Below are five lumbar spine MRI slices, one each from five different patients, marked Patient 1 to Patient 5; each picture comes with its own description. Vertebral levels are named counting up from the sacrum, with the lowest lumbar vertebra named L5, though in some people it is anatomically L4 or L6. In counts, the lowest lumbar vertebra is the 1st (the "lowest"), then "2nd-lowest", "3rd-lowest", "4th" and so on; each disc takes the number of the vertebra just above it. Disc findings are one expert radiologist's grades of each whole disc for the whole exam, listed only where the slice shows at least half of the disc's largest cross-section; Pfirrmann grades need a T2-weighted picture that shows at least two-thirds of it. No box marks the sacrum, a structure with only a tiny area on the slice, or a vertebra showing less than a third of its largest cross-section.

Patient 1 of 5:
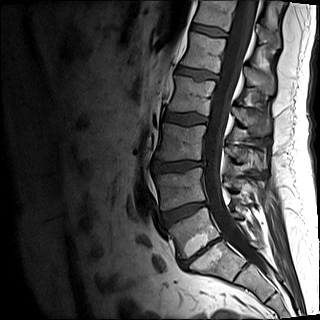
Patient sex: M. Sagittal T1-weighted lumbar spine MRI.

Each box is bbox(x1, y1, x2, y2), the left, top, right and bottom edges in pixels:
* thecal sac / spinal canal — bbox(204, 0, 267, 275)
* L1 — bbox(181, 32, 274, 94)
* disc L2/L3 — bbox(164, 112, 207, 125)
* T12/L1 — bbox(190, 23, 227, 37)
* L4 vertebra — bbox(156, 168, 236, 209)
* L3 vertebra — bbox(155, 123, 261, 169)
* L5/S1 — bbox(182, 238, 220, 265)
* L1/L2 — bbox(176, 66, 217, 80)
* T12 vertebra — bbox(194, 0, 280, 46)
* L5 — bbox(169, 207, 243, 257)
* L4/L5 — bbox(163, 202, 206, 225)
* L2 — bbox(168, 75, 271, 135)
* disc L3/L4 — bbox(155, 161, 204, 172)

Expert MSK radiologist gradings (per disc):
  L4/L5: lower-endplate change, disc narrowing, disc bulging
  L3/L4: disc bulging
  L1/L2: upper-endplate change
  L5/S1: disc narrowing, disc bulging, Modic type II, upper-endplate change, lower-endplate change
  L2/L3, T12/L1: no Modic or endplate change, herniation, narrowing, bulging or spondylolisthesis recorded

Patient 2 of 5:
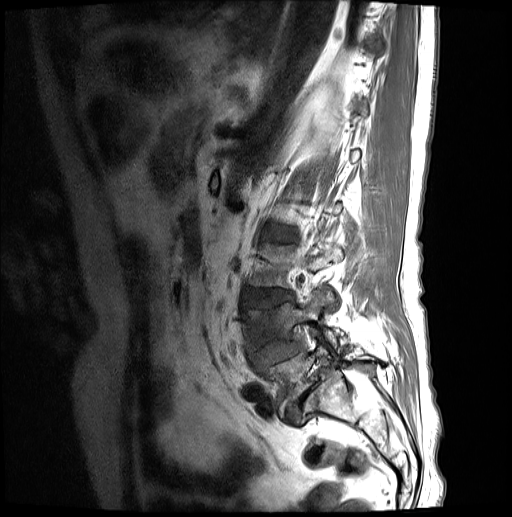 MRI lumbar spine (T1-weighted), sagittal plane
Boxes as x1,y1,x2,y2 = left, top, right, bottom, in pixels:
Intervertebral disc L3/L4 (3rd-lowest disc): 242,288,293,307.
L3 (3rd-lowest vertebra): 248,243,342,310.
Intervertebral disc L2/L3 (4th disc): 266,227,296,241.
L4/L5 (2nd-lowest disc): 249,340,303,369.
L5 (lowest vertebra): 257,345,376,414.
L5/S1 (lowest disc): 285,372,328,425.
L4 (2nd-lowest vertebra): 242,290,348,352.

Per-level radiological findings:
- L5/S1 (lowest disc): disc narrowing, spondylolisthesis, disc herniation, Modic type II
- L4/L5 (2nd-lowest disc): spondylolisthesis, disc narrowing, disc herniation, lower-endplate change, upper-endplate change
- L3/L4 (3rd-lowest disc): lower-endplate change, upper-endplate change, disc bulging

Patient 3 of 5:
Sagittal T2-weighted lumbar spine MRI 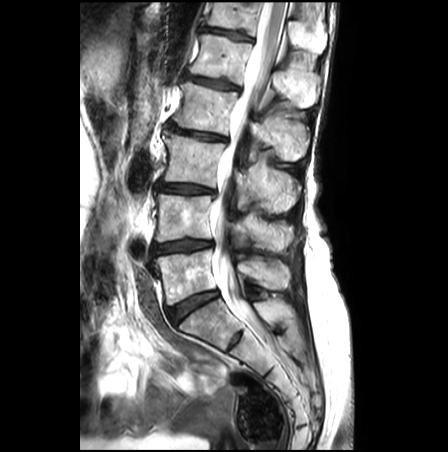

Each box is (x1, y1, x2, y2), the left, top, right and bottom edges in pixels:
L3 vertebra at (163, 131, 298, 210).
L4/L5 at (152, 239, 212, 254).
Disc L5/S1 at (167, 291, 218, 324).
L1 at (190, 34, 319, 108).
Thecal sac / spinal canal at (211, 1, 286, 325).
L5 vertebra at (156, 249, 289, 305).
L4 at (155, 194, 292, 252).
T12 at (206, 2, 327, 53).
Disc L3/L4 at (156, 182, 214, 193).
T12/L1 at (203, 27, 251, 39).
Disc L1/L2 at (187, 74, 238, 89).
L2 at (173, 81, 308, 160).
Disc L2/L3 at (169, 125, 225, 141).

Radiological gradings:
• L4/L5: Pfirrmann grade 3, disc bulging, upper-endplate change, lower-endplate change, Modic type II, disc narrowing
• L1/L2: Pfirrmann grade 3, disc bulging, upper-endplate change, lower-endplate change
• L5/S1: Pfirrmann grade 3
• L3/L4: Pfirrmann grade 3, upper-endplate change, disc narrowing, Modic type II, lower-endplate change, disc bulging
• L2/L3: Pfirrmann grade 3, lower-endplate change, disc bulging, upper-endplate change, Modic type II, disc narrowing
• T12/L1: Pfirrmann grade 3, lower-endplate change, upper-endplate change

Patient 4 of 5:
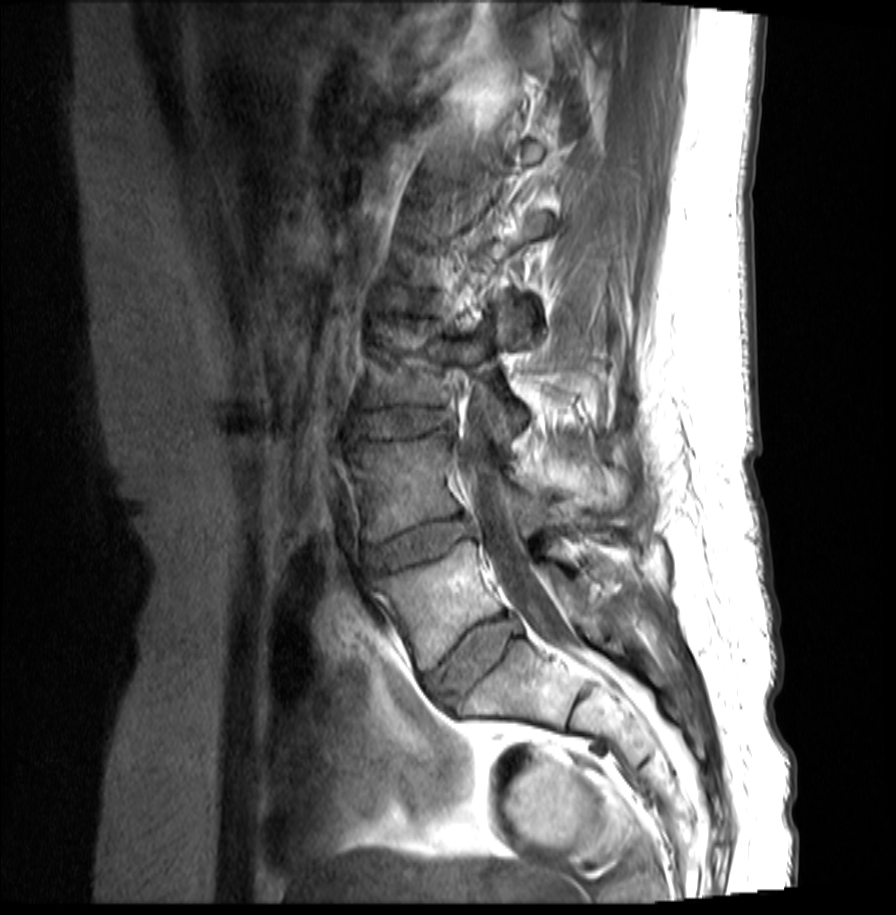 Slice 15 of 23; 896x915 px; Lumbar spine MR, T1-weighted, sagittal
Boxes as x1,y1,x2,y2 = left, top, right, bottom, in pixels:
Lowest vertebra at 373,540,613,669; 2nd-lowest disc at 365,514,475,569; spinal canal at 457,392,585,661; 3rd-lowest vertebra at 359,314,525,430; lowest disc at 425,615,522,705; 3rd-lowest disc at 351,409,450,436; 4th disc at 384,289,427,310; 2nd-lowest vertebra at 350,431,629,541.

Radiological gradings:
  2nd-lowest disc: disc herniation
  3rd-lowest disc: disc bulging
  lowest disc: disc bulging

Patient 5 of 5:
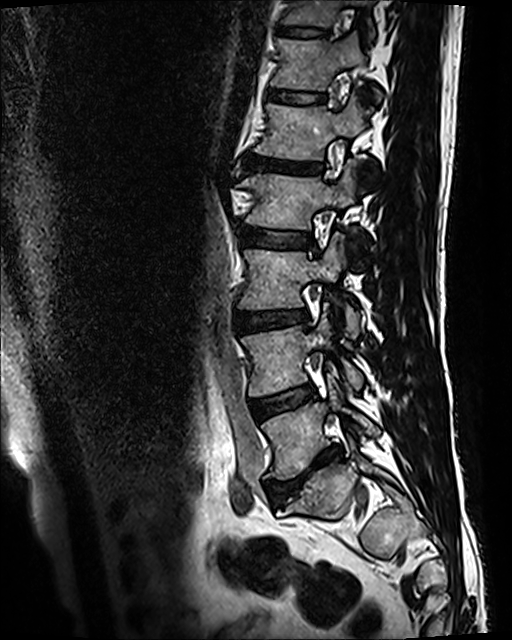 T2 SPACE (3D) sagittal MRI of the lumbar spine
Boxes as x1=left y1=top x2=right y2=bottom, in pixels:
4th vertebra at x1=240 y1=161 x2=355 y2=229 | 5th disc at x1=244 y1=154 x2=322 y2=175 | 5th vertebra at x1=255 y1=95 x2=366 y2=159 | 3rd-lowest vertebra at x1=238 y1=236 x2=359 y2=337 | 2nd-lowest vertebra at x1=241 y1=313 x2=363 y2=396 | 7th disc at x1=278 y1=28 x2=328 y2=37 | 3rd-lowest disc at x1=234 y1=308 x2=309 y2=332 | 7th vertebra at x1=284 y1=0 x2=372 y2=29 | 4th disc at x1=238 y1=226 x2=314 y2=248 | lowest disc at x1=266 y1=443 x2=344 y2=503 | 2nd-lowest disc at x1=250 y1=383 x2=315 y2=415 | 6th vertebra at x1=270 y1=33 x2=381 y2=97 | lowest vertebra at x1=261 y1=379 x2=379 y2=478 | 6th disc at x1=269 y1=88 x2=325 y2=104

Per-level radiological findings:
• 7th disc: lower-endplate change, upper-endplate change
• 4th disc: Pfirrmann grade 3
• 5th disc: Pfirrmann grade 5, Modic type II, disc narrowing, disc bulging, upper-endplate change, lower-endplate change
• lowest disc: Pfirrmann grade 5, disc bulging, disc narrowing, Modic type II, lower-endplate change, upper-endplate change
• 6th disc: Pfirrmann grade 3
• 3rd-lowest disc: Pfirrmann grade 3, disc bulging, upper-endplate change, lower-endplate change
• 2nd-lowest disc: Modic type II